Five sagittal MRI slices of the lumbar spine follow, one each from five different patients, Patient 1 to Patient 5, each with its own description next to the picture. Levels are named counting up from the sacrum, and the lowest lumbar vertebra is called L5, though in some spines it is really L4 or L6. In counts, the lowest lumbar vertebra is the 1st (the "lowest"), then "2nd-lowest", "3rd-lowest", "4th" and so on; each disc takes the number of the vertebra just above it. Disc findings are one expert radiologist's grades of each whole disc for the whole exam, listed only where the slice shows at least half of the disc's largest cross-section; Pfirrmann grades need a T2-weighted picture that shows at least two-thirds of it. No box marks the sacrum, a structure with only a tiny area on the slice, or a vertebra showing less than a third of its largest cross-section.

Patient 1 of 5:
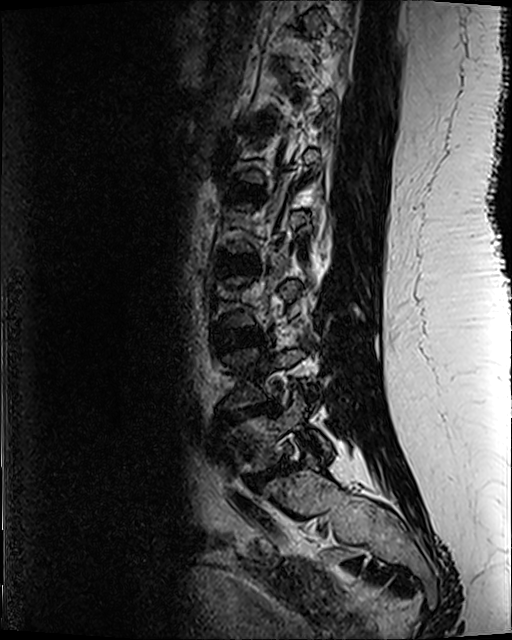
T2 SPACE (3D) sagittal MRI of the lumbar spine; Sagittal slice index 36; Image 512x640; Field of view 240x300 mm, slice spacing 0.9 mm

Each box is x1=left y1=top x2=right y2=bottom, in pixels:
Annotations:
* L5/S1 (lowest disc) — x1=248 y1=464 x2=288 y2=487
* IVD L2/L3 (4th disc) — x1=222 y1=257 x2=244 y2=271
* L5 (lowest vertebra) — x1=224 y1=391 x2=330 y2=471
* L3/L4 (3rd-lowest disc) — x1=218 y1=329 x2=259 y2=349
* L4 (2nd-lowest vertebra) — x1=226 y1=337 x2=312 y2=406
* L4/L5 (2nd-lowest disc) — x1=220 y1=404 x2=279 y2=421
* IVD L1/L2 (5th disc) — x1=228 y1=185 x2=260 y2=197

Per-level radiological findings:
• L3/L4 (3rd-lowest disc): no spondylolisthesis, narrowing, bulging, herniation, Modic or endplate change recorded

Patient 2 of 5:
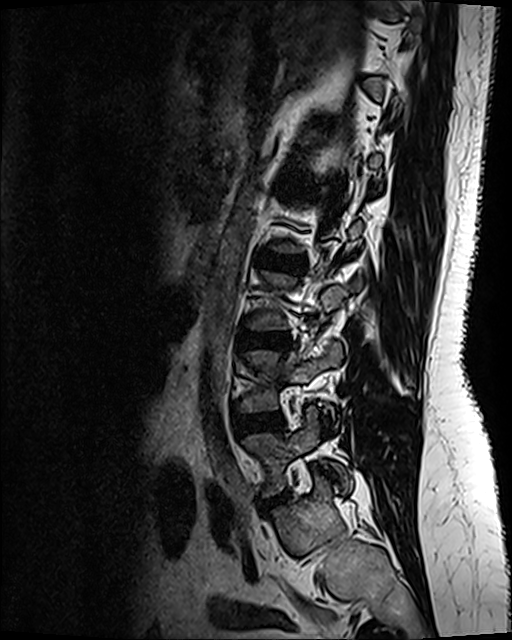

Sagittal slice index 84; MRI lumbar spine (T2 SPACE (3D)), sagittal plane; Patient sex: F

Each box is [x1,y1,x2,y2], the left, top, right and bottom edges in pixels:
Annotations:
* lowest vertebra at [244,407,351,494]
* 4th disc at [255,252,301,275]
* 2nd-lowest vertebra at [241,344,342,415]
* 3rd-lowest disc at [239,332,286,348]
* 2nd-lowest disc at [235,414,283,433]

Expert MSK radiologist gradings (per disc):
• 4th disc: disc bulging, lower-endplate change, upper-endplate change

Patient 3 of 5:
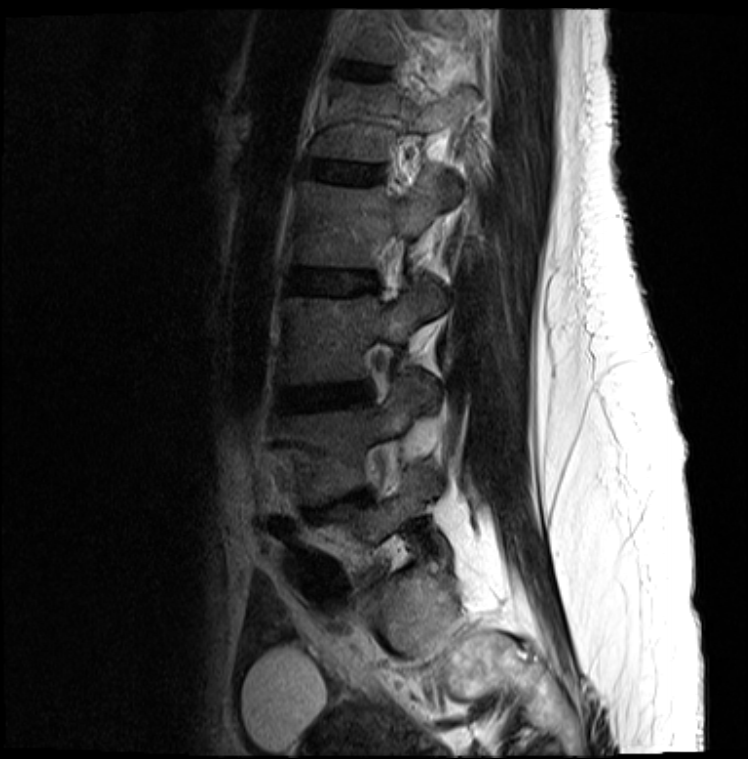

Patient sex: F. T2-weighted sagittal MRI of the lumbar spine.
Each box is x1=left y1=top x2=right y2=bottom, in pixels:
{"L2": "x1=298 y1=168 x2=457 y2=266", "L4/L5": "x1=343 y1=491 x2=373 y2=503", "intervertebral disc T12/L1": "x1=345 y1=64 x2=385 y2=77", "L1/L2": "x1=306 y1=159 x2=383 y2=183", "T12 vertebra": "x1=349 y1=7 x2=473 y2=62", "L3": "x1=283 y1=277 x2=443 y2=405", "intervertebral disc L3/L4": "x1=281 y1=382 x2=371 y2=411", "L1 vertebra": "x1=314 y1=82 x2=476 y2=160", "L4": "x1=285 y1=377 x2=437 y2=503", "L2/L3": "x1=288 y1=268 x2=375 y2=293"}

Expert MSK radiologist gradings (per disc):
• L2/L3: Pfirrmann grade 3, disc bulging
• L1/L2: Pfirrmann grade 3
• L3/L4: Pfirrmann grade 4, disc bulging

Patient 4 of 5:
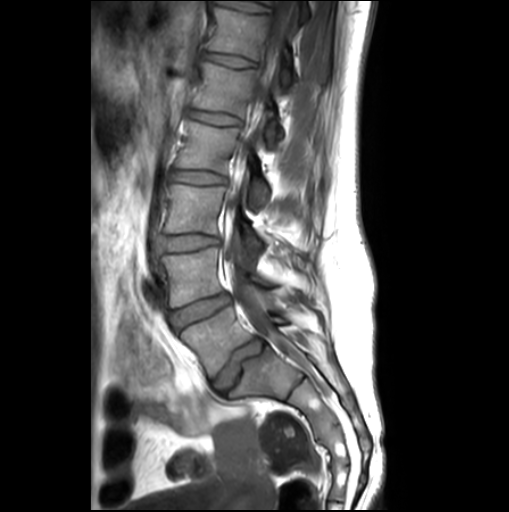

Slice 11 of 26; T1-weighted sagittal MRI of the lumbar spine
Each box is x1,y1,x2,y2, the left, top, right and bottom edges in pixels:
Intervertebral disc T12/L1 (6th disc) at 204,52,255,67.
L1 (5th vertebra) at 194,62,283,145.
L1/L2 (5th disc) at 190,110,240,125.
L5 (lowest vertebra) at 181,307,289,377.
L4/L5 (2nd-lowest disc) at 172,294,229,330.
Intervertebral disc L3/L4 (3rd-lowest disc) at 158,234,217,253.
L4 (2nd-lowest vertebra) at 161,248,270,307.
T12 (6th vertebra) at 208,8,291,86.
Intervertebral disc L2/L3 (4th disc) at 168,169,226,184.
Intervertebral disc L5/S1 (lowest disc) at 214,338,265,393.
Thecal sac / spinal canal at 223,1,296,356.
L2 (4th vertebra) at 177,122,268,210.
L3 (3rd-lowest vertebra) at 165,184,262,249.

Degenerative findings by level:
- L5/S1 (lowest disc): lower-endplate change, disc bulging, upper-endplate change
- L3/L4 (3rd-lowest disc): disc bulging
- L4/L5 (2nd-lowest disc): disc bulging
- L1/L2 (5th disc), T12/L1 (6th disc), L2/L3 (4th disc): no Modic or endplate change, herniation, narrowing, bulging or spondylolisthesis recorded

Patient 5 of 5:
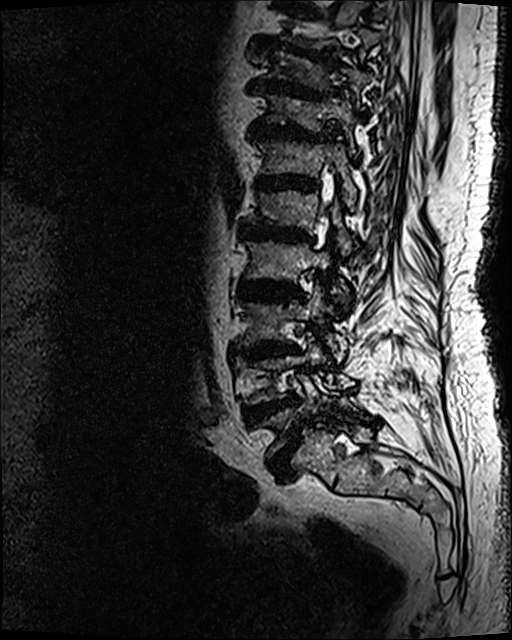 MRI lumbar spine (T2 SPACE (3D)), sagittal plane; 512x640 px; Patient sex: M

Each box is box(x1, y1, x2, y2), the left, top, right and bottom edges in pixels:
intervertebral disc L1/L2: box(239, 224, 315, 243)
L3 vertebra: box(242, 279, 347, 363)
thecal sac / spinal canal: box(322, 202, 329, 216)
intervertebral disc L5/S1: box(269, 430, 300, 479)
T10 vertebra: box(264, 51, 374, 107)
L4: box(245, 330, 327, 404)
L2/L3: box(239, 280, 301, 301)
T12: box(255, 139, 358, 210)
intervertebral disc L4/L5: box(243, 396, 300, 423)
intervertebral disc T10/T11: box(251, 77, 335, 99)
intervertebral disc L3/L4: box(242, 342, 297, 359)
T11 vertebra: box(263, 92, 358, 156)
L2 vertebra: box(243, 229, 354, 311)
intervertebral disc T12/L1: box(256, 175, 321, 192)
L5 vertebra: box(252, 373, 358, 458)
T11/T12: box(251, 120, 333, 142)
T9/T10: box(258, 45, 332, 67)
L1 vertebra: box(249, 182, 353, 257)

Expert MSK radiologist gradings (per disc):
• T10/T11: Pfirrmann grade 5, disc narrowing, disc bulging, Modic type II, lower-endplate change, upper-endplate change
• T9/T10: Pfirrmann grade 5, disc narrowing, upper-endplate change, lower-endplate change, disc bulging, Modic type II
• T11/T12: Pfirrmann grade 5, disc bulging, Modic type II, lower-endplate change, upper-endplate change, disc narrowing
• L3/L4: disc bulging, upper-endplate change, lower-endplate change, Modic type II, disc narrowing
• L5/S1: Pfirrmann grade 5, Modic type II, disc bulging, spondylolisthesis, upper-endplate change, lower-endplate change, disc narrowing
• L2/L3: Pfirrmann grade 5, upper-endplate change, disc narrowing, lower-endplate change, Modic type II, disc bulging
• T12/L1: Pfirrmann grade 5, disc bulging, disc narrowing, Modic type II, upper-endplate change, lower-endplate change
• L1/L2: Pfirrmann grade 5, lower-endplate change, disc narrowing, upper-endplate change, disc bulging, Modic type II